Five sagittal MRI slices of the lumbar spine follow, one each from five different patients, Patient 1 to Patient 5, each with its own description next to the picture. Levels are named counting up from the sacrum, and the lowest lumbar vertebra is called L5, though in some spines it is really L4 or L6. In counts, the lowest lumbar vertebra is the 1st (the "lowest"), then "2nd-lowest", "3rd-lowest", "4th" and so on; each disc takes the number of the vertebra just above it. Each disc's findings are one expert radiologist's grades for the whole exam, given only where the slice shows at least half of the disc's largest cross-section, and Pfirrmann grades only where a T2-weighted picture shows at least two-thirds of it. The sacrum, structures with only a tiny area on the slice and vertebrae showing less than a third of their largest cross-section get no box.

Patient 1 of 5:
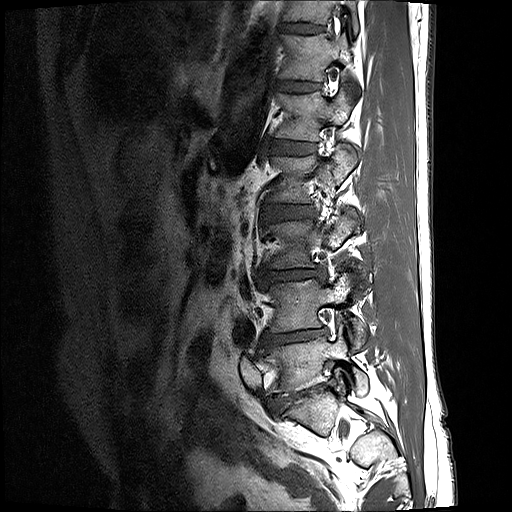
Field of view 300x300 mm, Patient sex: M, Lumbar spine MR, T1-weighted, sagittal
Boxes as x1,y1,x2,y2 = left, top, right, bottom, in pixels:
L5 vertebra = 263,324,368,396.
L4/L5 = 258,328,328,355.
L5/S1 = 266,379,335,415.
L2 = 267,145,356,202.
T12 vertebra = 279,33,352,81.
T11 = 282,0,358,33.
L3/L4 = 258,268,324,285.
L1 vertebra = 274,89,349,141.
L4 = 266,273,364,349.
Intervertebral disc T11/T12 = 279,22,324,33.
Intervertebral disc L1/L2 = 269,140,315,154.
L3 = 266,208,356,268.
Intervertebral disc T12/L1 = 276,80,319,91.
Intervertebral disc L2/L3 = 263,205,315,220.

Radiological gradings:
  L5/S1: spondylolisthesis, disc bulging, disc narrowing, lower-endplate change
  L3/L4: disc bulging, disc narrowing
  L4/L5: disc bulging, Modic type II, lower-endplate change, disc narrowing
  L1/L2, T12/L1, L2/L3, T11/T12: no spondylolisthesis, narrowing, bulging, herniation, Modic or endplate change recorded

Patient 2 of 5:
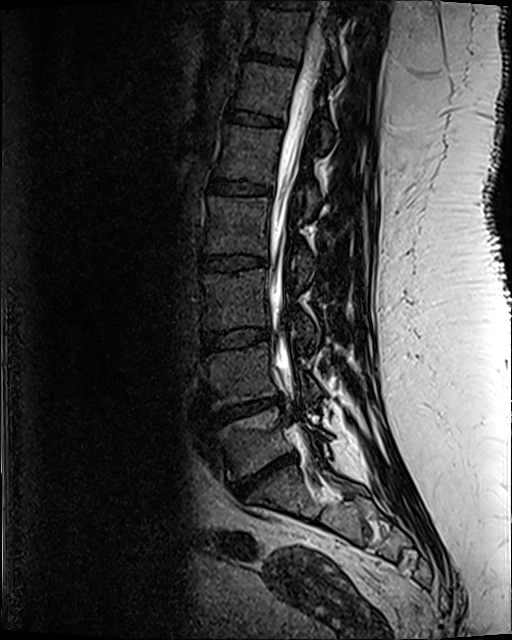 Lumbar spine MR, T2 SPACE (3D), sagittal

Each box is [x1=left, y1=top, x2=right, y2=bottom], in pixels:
L3 vertebra: [x1=205, y1=270, x2=314, y2=344]
thecal sac / spinal canal: [x1=269, y1=9, x2=326, y2=390]
intervertebral disc T12/L1: [x1=227, y1=112, x2=283, y2=127]
intervertebral disc L2/L3: [x1=201, y1=256, x2=265, y2=271]
L1/L2: [x1=211, y1=180, x2=271, y2=194]
L5: [x1=212, y1=408, x2=331, y2=478]
T11: [x1=252, y1=9, x2=340, y2=74]
L2: [x1=206, y1=198, x2=313, y2=282]
L1: [x1=217, y1=126, x2=319, y2=216]
L4 vertebra: [x1=208, y1=344, x2=320, y2=407]
intervertebral disc T10/T11: [x1=262, y1=0, x2=312, y2=8]
intervertebral disc L3/L4: [x1=204, y1=329, x2=269, y2=350]
T12: [x1=235, y1=63, x2=330, y2=144]
intervertebral disc L4/L5: [x1=213, y1=399, x2=281, y2=424]
intervertebral disc L5/S1: [x1=232, y1=454, x2=296, y2=497]
intervertebral disc T11/T12: [x1=245, y1=51, x2=282, y2=62]

Degenerative findings by level:
  L4/L5: lower-endplate change, disc herniation, disc narrowing, Modic type II, upper-endplate change
  L3/L4: Pfirrmann grade 3
  L5/S1: Pfirrmann grade 5, disc narrowing, Modic type II, disc herniation, upper-endplate change, lower-endplate change
  T12/L1: Pfirrmann grade 3
  L2/L3: Pfirrmann grade 3, lower-endplate change, upper-endplate change
  L1/L2: Pfirrmann grade 3, lower-endplate change

Patient 3 of 5:
Sagittal T2 SPACE (3D) lumbar spine MRI. Sagittal slice index 30. Slice spacing 0.9 mm.

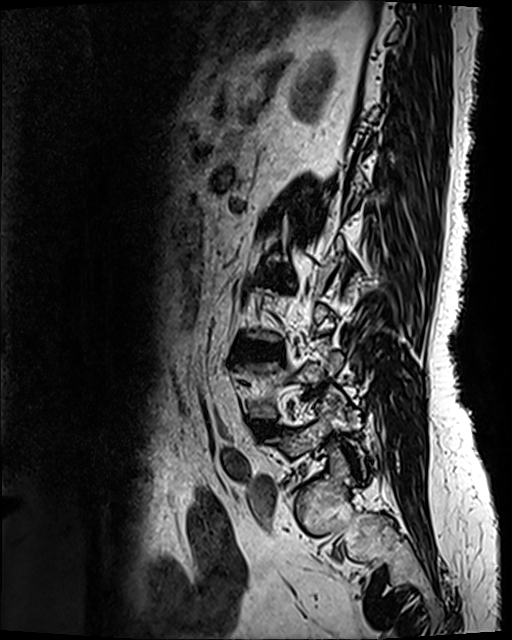 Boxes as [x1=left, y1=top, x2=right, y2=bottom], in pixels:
IVD L2/L3 = [x1=264, y1=274, x2=282, y2=283].
L3/L4 = [x1=236, y1=342, x2=281, y2=358].
L4/L5 = [x1=255, y1=422, x2=270, y2=430].

Radiological gradings:
- L3/L4: Modic type II, lower-endplate change, disc bulging, disc narrowing, upper-endplate change

Patient 4 of 5:
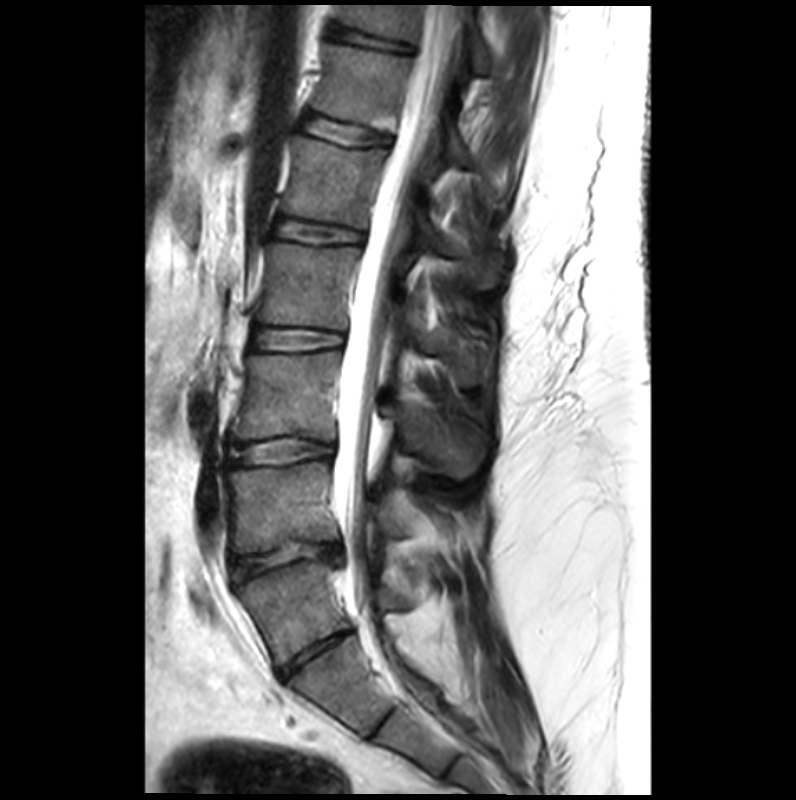 Slice spacing 3.4 mm, Image 796x800, Lumbar spine MR, T2-weighted, sagittal
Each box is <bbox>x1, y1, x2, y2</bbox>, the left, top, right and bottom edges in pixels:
• spinal canal = <bbox>336, 10, 458, 608</bbox>
• disc L3/L4 (3rd-lowest disc) = <bbox>227, 438, 333, 464</bbox>
• disc T11/T12 (7th disc) = <bbox>328, 25, 410, 51</bbox>
• L2/L3 (4th disc) = <bbox>250, 328, 344, 352</bbox>
• L4 (2nd-lowest vertebra) = <bbox>227, 461, 447, 553</bbox>
• L1 (5th vertebra) = <bbox>281, 136, 493, 287</bbox>
• L5 (lowest vertebra) = <bbox>238, 559, 409, 666</bbox>
• disc L5/S1 (lowest disc) = <bbox>278, 632, 352, 678</bbox>
• T11 (7th vertebra) = <bbox>335, 5, 490, 73</bbox>
• L2 (4th vertebra) = <bbox>256, 242, 486, 381</bbox>
• L3 (3rd-lowest vertebra) = <bbox>232, 350, 488, 477</bbox>
• T12 (6th vertebra) = <bbox>311, 42, 467, 162</bbox>
• L4/L5 (2nd-lowest disc) = <bbox>232, 544, 339, 580</bbox>
• disc L1/L2 (5th disc) = <bbox>273, 219, 362, 243</bbox>
• disc T12/L1 (6th disc) = <bbox>302, 114, 388, 147</bbox>

Expert MSK radiologist gradings (per disc):
• L2/L3 (4th disc): Pfirrmann grade 2
• L1/L2 (5th disc): upper-endplate change, lower-endplate change
• L3/L4 (3rd-lowest disc): Pfirrmann grade 2
• L5/S1 (lowest disc): Pfirrmann grade 3, disc narrowing
• L4/L5 (2nd-lowest disc): Pfirrmann grade 3, disc narrowing, disc herniation, lower-endplate change, spondylolisthesis, Modic type III, upper-endplate change
• T11/T12 (7th disc): lower-endplate change
• T12/L1 (6th disc): Pfirrmann grade 2, lower-endplate change, upper-endplate change

Patient 5 of 5:
512x640 px, Sagittal T2 SPACE (3D) lumbar spine MRI
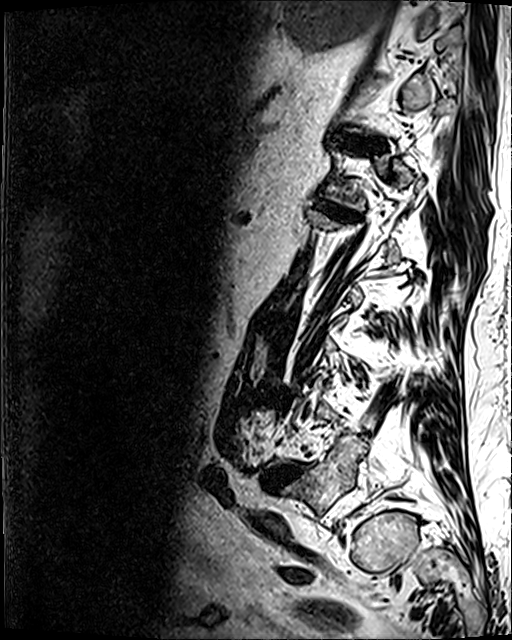 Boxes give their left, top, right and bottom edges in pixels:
{"L4/L5": "left=267, top=466, right=302, bottom=486", "L5 vertebra": "left=285, top=442, right=364, bottom=513"}